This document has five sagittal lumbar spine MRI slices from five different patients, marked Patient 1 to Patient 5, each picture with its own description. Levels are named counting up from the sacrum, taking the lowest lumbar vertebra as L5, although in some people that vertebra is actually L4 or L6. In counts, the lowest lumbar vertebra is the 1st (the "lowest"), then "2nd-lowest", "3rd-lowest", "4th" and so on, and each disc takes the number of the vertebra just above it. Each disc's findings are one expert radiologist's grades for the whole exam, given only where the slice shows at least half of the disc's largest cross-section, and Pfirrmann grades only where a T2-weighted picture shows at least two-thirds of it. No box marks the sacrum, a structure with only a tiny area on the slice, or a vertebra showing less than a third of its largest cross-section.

Patient 1 of 5:
MRI lumbar spine (T2-weighted), sagittal plane; Sagittal slice index 6
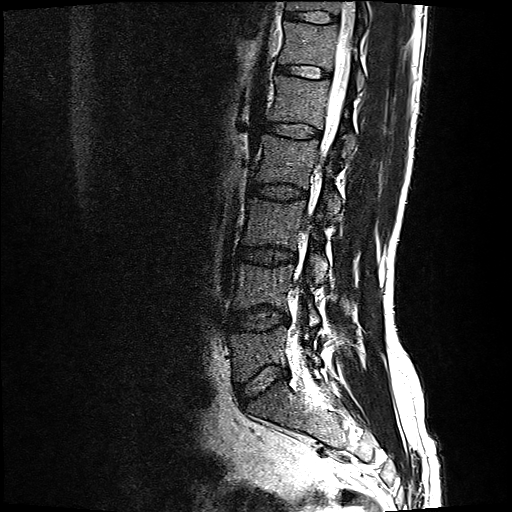
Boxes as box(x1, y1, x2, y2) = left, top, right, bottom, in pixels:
Disc L5/S1 (lowest disc) = box(235, 365, 289, 401).
T11 (7th vertebra) = box(286, 0, 368, 22).
L3 (3rd-lowest vertebra) = box(243, 195, 328, 279).
L4 (2nd-lowest vertebra) = box(234, 262, 320, 327).
Thecal sac / spinal canal = box(294, 0, 356, 364).
Disc T12/L1 (6th disc) = box(276, 64, 327, 77).
L4/L5 (2nd-lowest disc) = box(229, 306, 289, 329).
L1 (5th vertebra) = box(267, 74, 355, 153).
L2/L3 (4th disc) = box(249, 182, 307, 198).
T11/T12 (7th disc) = box(284, 10, 336, 22).
Disc L1/L2 (5th disc) = box(264, 121, 319, 137).
L2 (4th vertebra) = box(254, 133, 340, 214).
T12 (6th vertebra) = box(277, 20, 364, 88).
L5 (lowest vertebra) = box(230, 324, 322, 379).
L3/L4 (3rd-lowest disc) = box(238, 246, 296, 263).

Per-level radiological findings:
- L5/S1 (lowest disc): Pfirrmann grade 2, disc bulging
- T11/T12 (7th disc): Pfirrmann grade 2
- L1/L2 (5th disc): Pfirrmann grade 2
- L3/L4 (3rd-lowest disc): Pfirrmann grade 2, disc bulging
- L2/L3 (4th disc): Pfirrmann grade 2
- T12/L1 (6th disc): Pfirrmann grade 2
- L4/L5 (2nd-lowest disc): Pfirrmann grade 2, disc bulging

Patient 2 of 5:
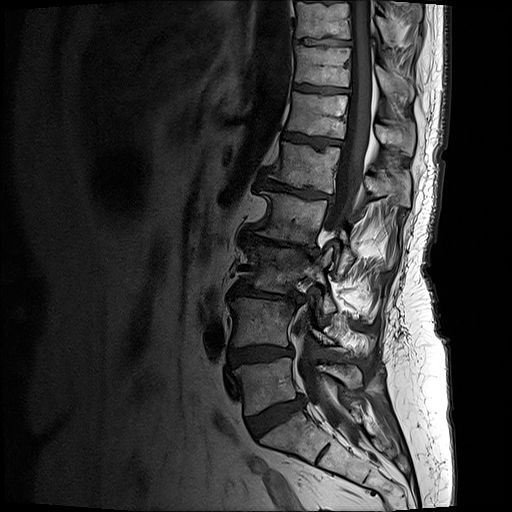

Sex F; MRI lumbar spine (T1-weighted), sagittal plane; Slice spacing 3.3 mm; 512x512 px
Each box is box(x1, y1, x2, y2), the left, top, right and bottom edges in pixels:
L4 vertebra = box(229, 298, 373, 353).
T10 vertebra = box(296, 0, 419, 46).
T12 = box(287, 92, 414, 156).
L1 vertebra = box(269, 142, 410, 206).
L5 = box(234, 358, 361, 415).
Intervertebral disc T10/T11 = box(297, 39, 346, 45).
Intervertebral disc T12/L1 = box(283, 133, 341, 147).
L5/S1 = box(246, 395, 304, 437).
T11 vertebra = box(295, 47, 413, 102).
Intervertebral disc T11/T12 = box(295, 85, 343, 93).
Intervertebral disc L2/L3 = box(238, 230, 317, 258).
L2 = box(256, 191, 395, 274).
L3 vertebra = box(244, 245, 371, 321).
Intervertebral disc L1/L2 = box(260, 178, 330, 199).
Intervertebral disc L3/L4 = box(231, 283, 297, 302).
Intervertebral disc L4/L5 = box(228, 346, 292, 366).
Thecal sac / spinal canal = box(296, 0, 371, 442).

Expert MSK radiologist gradings (per disc):
• T10/T11: lower-endplate change, upper-endplate change
• L5/S1: disc bulging
• L2/L3: upper-endplate change, disc bulging, Modic type II, lower-endplate change, disc narrowing
• L3/L4: lower-endplate change, disc narrowing, upper-endplate change, disc bulging, Modic type II
• T12/L1: upper-endplate change, lower-endplate change, Modic type II
• T11/T12: lower-endplate change, upper-endplate change
• L1/L2: upper-endplate change, Modic type II, disc narrowing, disc bulging, lower-endplate change
• L4/L5: upper-endplate change, lower-endplate change, disc bulging

Patient 3 of 5:
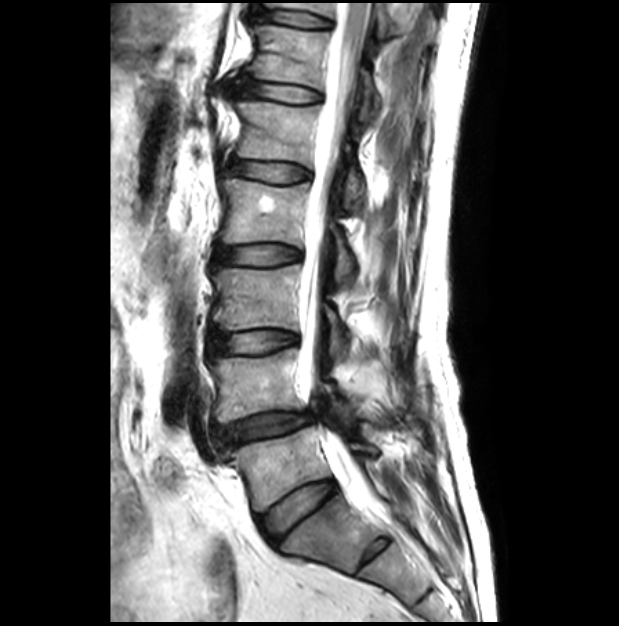 Sagittal T2-weighted lumbar spine MRI, Sagittal slice index 12, Image 619x626
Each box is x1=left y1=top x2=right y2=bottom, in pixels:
L1 (5th vertebra) at x1=235 y1=102 x2=364 y2=208 | L5/S1 (lowest disc) at x1=258 y1=480 x2=336 y2=543 | L2 (4th vertebra) at x1=221 y1=179 x2=353 y2=283 | IVD L4/L5 (2nd-lowest disc) at x1=220 y1=412 x2=311 y2=446 | T11 (7th vertebra) at x1=265 y1=2 x2=401 y2=37 | L5 (lowest vertebra) at x1=226 y1=426 x2=377 y2=511 | L4 (2nd-lowest vertebra) at x1=209 y1=347 x2=351 y2=422 | L3/L4 (3rd-lowest disc) at x1=210 y1=330 x2=296 y2=356 | IVD T11/T12 (7th disc) at x1=258 y1=10 x2=330 y2=27 | IVD L2/L3 (4th disc) at x1=214 y1=245 x2=299 y2=266 | L1/L2 (5th disc) at x1=228 y1=160 x2=308 y2=182 | L3 (3rd-lowest vertebra) at x1=211 y1=265 x2=348 y2=362 | T12 (6th vertebra) at x1=249 y1=25 x2=380 y2=121 | thecal sac / spinal canal at x1=298 y1=0 x2=380 y2=509 | T12/L1 (6th disc) at x1=235 y1=79 x2=319 y2=102

Degenerative findings by level:
- L5/S1 (lowest disc): Pfirrmann grade 2
- L2/L3 (4th disc): Pfirrmann grade 1
- L3/L4 (3rd-lowest disc): Pfirrmann grade 1
- L4/L5 (2nd-lowest disc): Pfirrmann grade 3, disc narrowing, upper-endplate change, lower-endplate change, disc bulging, spondylolisthesis
- T11/T12 (7th disc): Pfirrmann grade 1
- T12/L1 (6th disc): Pfirrmann grade 1
- L1/L2 (5th disc): no spondylolisthesis, narrowing, bulging, herniation, Modic or endplate change recorded

Patient 4 of 5:
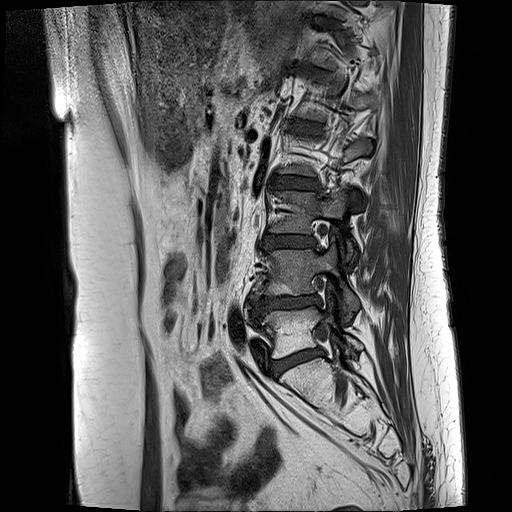
Sex F | Lumbar spine MR, T1-weighted, sagittal | 512x512 px | Slice spacing 3.3 mm

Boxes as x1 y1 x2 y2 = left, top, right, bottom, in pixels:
L3: 269 190 356 260
L5: 256 304 362 358
intervertebral disc L4/L5: 249 294 319 316
intervertebral disc L2/L3: 270 174 320 189
intervertebral disc L5/S1: 272 348 323 376
T11/T12: 312 18 337 25
L3/L4: 264 236 318 248
intervertebral disc L1/L2: 292 120 323 132
L4 vertebra: 252 238 359 319
T12/L1: 304 70 328 76

Degenerative findings by level:
  L3/L4: Modic type II, disc bulging
  L2/L3: disc bulging, Modic type II
  L4/L5: lower-endplate change, Modic type II, upper-endplate change, disc bulging, disc narrowing
  L5/S1: disc bulging, Modic type II

Patient 5 of 5:
Patient sex: F; Sagittal T2 SPACE (3D) lumbar spine MRI
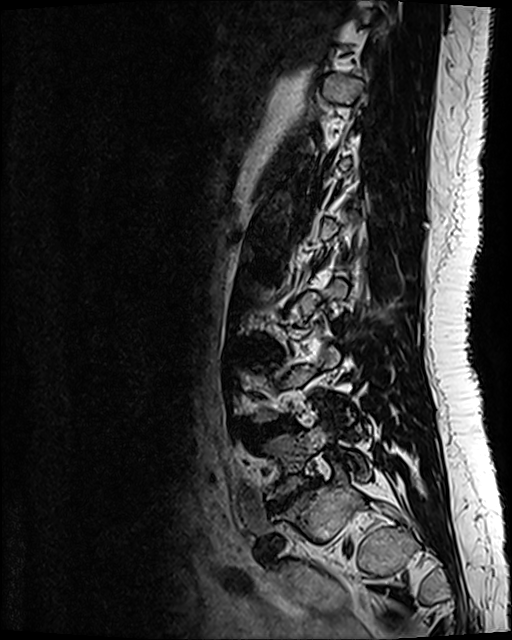
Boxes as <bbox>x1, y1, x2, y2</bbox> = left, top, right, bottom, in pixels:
Annotations:
• intervertebral disc L4/L5 (2nd-lowest disc) — <bbox>247, 419, 289, 440</bbox>
• L5 (lowest vertebra) — <bbox>265, 426, 368, 497</bbox>
• L5/S1 (lowest disc) — <bbox>271, 480, 318, 510</bbox>
• L3/L4 (3rd-lowest disc) — <bbox>247, 345, 279, 353</bbox>